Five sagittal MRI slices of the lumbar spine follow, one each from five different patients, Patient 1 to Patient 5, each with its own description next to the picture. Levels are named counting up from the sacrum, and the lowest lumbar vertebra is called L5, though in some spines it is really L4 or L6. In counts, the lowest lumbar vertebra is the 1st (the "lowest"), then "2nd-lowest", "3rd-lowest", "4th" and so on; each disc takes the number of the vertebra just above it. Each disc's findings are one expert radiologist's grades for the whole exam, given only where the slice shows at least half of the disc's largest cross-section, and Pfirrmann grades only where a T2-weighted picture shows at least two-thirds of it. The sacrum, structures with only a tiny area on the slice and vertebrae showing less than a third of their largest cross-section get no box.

Patient 1 of 5:
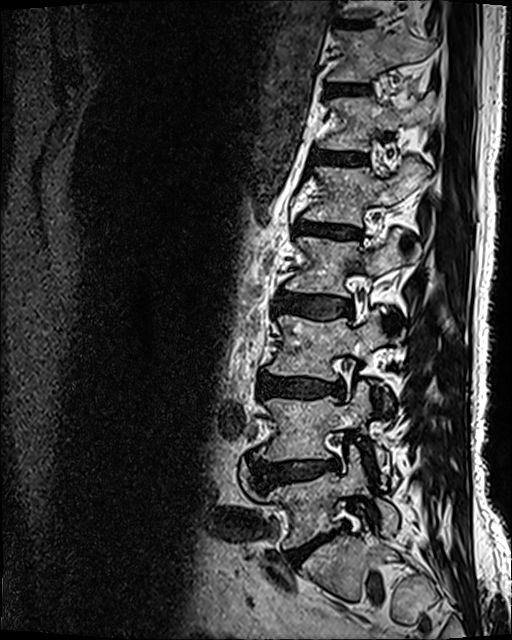 Sex M | Slice 42/120 | MRI lumbar spine (T2 SPACE (3D)), sagittal plane | Image 512x640
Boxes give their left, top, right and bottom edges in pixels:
L3/L4 = left=260, top=374, right=344, bottom=398.
L1/L2 = left=297, top=221, right=360, bottom=238.
L5/S1 = left=287, top=530, right=338, bottom=563.
L4 = left=260, top=381, right=390, bottom=481.
Disc T10/T11 = left=341, top=21, right=372, bottom=29.
Disc L2/L3 = left=275, top=291, right=352, bottom=317.
L4/L5 = left=251, top=459, right=338, bottom=488.
T11/T12 = left=332, top=86, right=364, bottom=93.
L5 = left=256, top=446, right=398, bottom=547.
L1 = left=303, top=159, right=430, bottom=226.
L2 vertebra = left=286, top=231, right=420, bottom=296.
T12/L1 = left=314, top=152, right=364, bottom=166.
L3 = left=268, top=310, right=405, bottom=380.
T12 vertebra = left=322, top=96, right=434, bottom=151.
T11 vertebra = left=329, top=29, right=436, bottom=82.

Degenerative findings by level:
- L4/L5: Pfirrmann grade 4, disc bulging, disc herniation
- L2/L3: Pfirrmann grade 3, disc bulging
- L1/L2: upper-endplate change, Modic type II, lower-endplate change, disc bulging, disc narrowing
- L3/L4: Pfirrmann grade 4, lower-endplate change, disc narrowing, Modic type II, disc bulging
- T12/L1: no herniation, bulging, narrowing, spondylolisthesis, endplate or Modic change recorded

Patient 2 of 5:
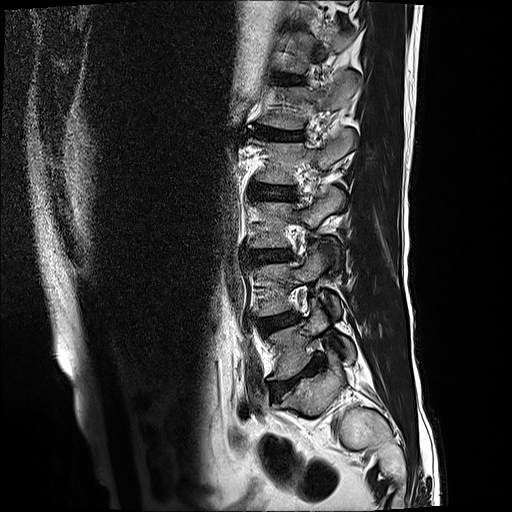
512x512 px | Patient sex: M | Sagittal slice index 15 | T2-weighted sagittal MRI of the lumbar spine
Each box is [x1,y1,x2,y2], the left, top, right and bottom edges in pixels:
Annotations:
- IVD L2/L3: [253,182,294,198]
- L2 vertebra: [250,128,356,183]
- IVD L5/S1: [269,354,325,393]
- L4: [256,245,341,317]
- IVD L1/L2: [250,128,304,140]
- L3/L4: [249,247,291,263]
- L5 vertebra: [268,299,354,379]
- L3: [247,186,344,245]
- L1 vertebra: [262,70,361,129]
- IVD L4/L5: [261,314,296,332]
- T12/L1: [278,73,303,82]

Expert MSK radiologist gradings (per disc):
  L5/S1: Pfirrmann grade 5, disc narrowing, lower-endplate change, Modic type II, upper-endplate change, disc bulging
  L1/L2: Pfirrmann grade 5, Modic type II, disc narrowing, lower-endplate change, upper-endplate change, disc bulging
  L3/L4: disc bulging, upper-endplate change, lower-endplate change
  L2/L3: no spondylolisthesis, narrowing, bulging, herniation, Modic or endplate change recorded

Patient 3 of 5:
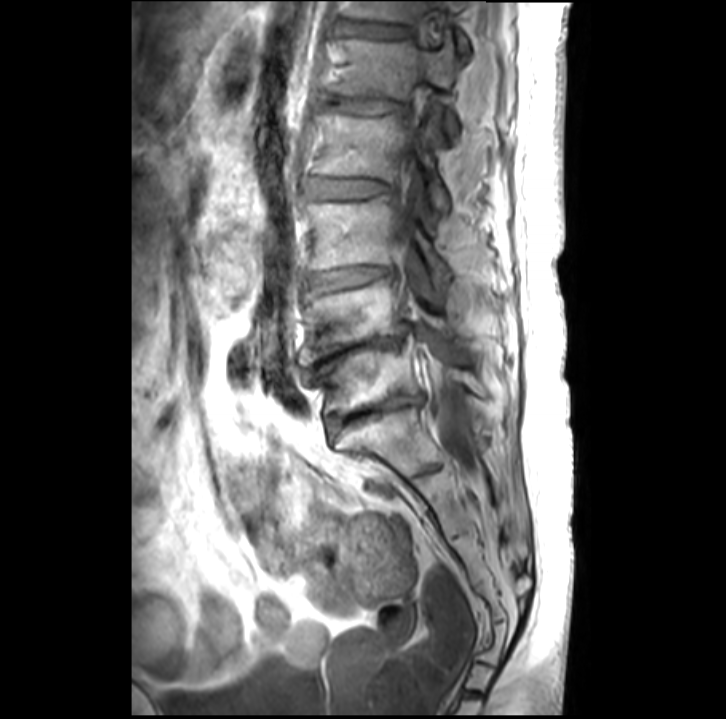

Image 726x719, Slice 14/32, Sagittal T1-weighted lumbar spine MRI, Field of view 285x282 mm

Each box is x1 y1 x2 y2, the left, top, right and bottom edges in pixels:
Segmented structures:
* thecal sac / spinal canal: 392 124 479 477
* L5 (lowest vertebra): 322 337 484 413
* L3 (3rd-lowest vertebra): 303 195 450 284
* L2 (4th vertebra): 313 107 449 210
* intervertebral disc L5/S1 (lowest disc): 328 395 421 432
* T12/L1 (6th disc): 344 22 409 36
* L2/L3 (4th disc): 307 178 387 197
* L4 (2nd-lowest vertebra): 299 278 465 364
* L4/L5 (2nd-lowest disc): 313 324 409 377
* L3/L4 (3rd-lowest disc): 309 266 390 290
* T12 (6th vertebra): 353 0 470 54
* L1/L2 (5th disc): 335 96 403 113
* L1 (5th vertebra): 335 37 458 137

Per-level radiological findings:
• T12/L1 (6th disc): disc bulging
• L5/S1 (lowest disc): Modic type II, disc narrowing
• L1/L2 (5th disc): disc narrowing, disc bulging
• L3/L4 (3rd-lowest disc): Modic type II, disc narrowing
• L4/L5 (2nd-lowest disc): disc narrowing
• L2/L3 (4th disc): no Modic or endplate change, herniation, narrowing, bulging or spondylolisthesis recorded

Patient 4 of 5:
Field of view 280x280 mm, slice spacing 4.4 mm | MRI lumbar spine (T2-weighted), sagittal plane | Scanner: SIEMENS SymphonyTim (1.5T) 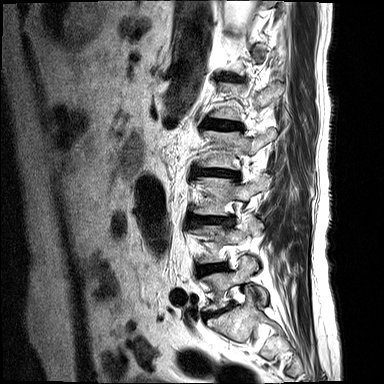 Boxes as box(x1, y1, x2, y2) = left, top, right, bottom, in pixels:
2nd-lowest vertebra — box(188, 217, 262, 264).
4th vertebra — box(197, 129, 276, 169).
3rd-lowest disc — box(186, 215, 234, 226).
2nd-lowest disc — box(196, 263, 228, 274).
4th disc — box(192, 169, 239, 178).
6th disc — box(220, 73, 243, 81).
Lowest vertebra — box(201, 256, 267, 311).
3rd-lowest vertebra — box(193, 174, 271, 215).
Lowest disc — box(205, 307, 229, 317).
5th disc — box(203, 120, 241, 129).

Per-level radiological findings:
• 5th disc: Pfirrmann grade 4, lower-endplate change, disc bulging, disc narrowing, Modic type II
• 4th disc: Pfirrmann grade 4, lower-endplate change, disc herniation, Modic type II, disc narrowing
• 3rd-lowest disc: Pfirrmann grade 4, Modic type II, upper-endplate change, disc narrowing, disc herniation, lower-endplate change

Patient 5 of 5:
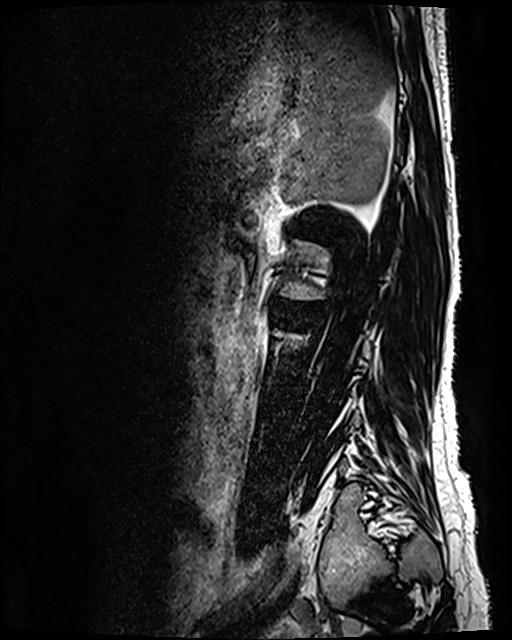
T2 SPACE (3D) sagittal MRI of the lumbar spine

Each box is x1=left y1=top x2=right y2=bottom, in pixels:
{"IVD L2/L3": "x1=280 y1=301 x2=305 y2=309", "IVD L1/L2": "x1=298 y1=228 x2=325 y2=237"}